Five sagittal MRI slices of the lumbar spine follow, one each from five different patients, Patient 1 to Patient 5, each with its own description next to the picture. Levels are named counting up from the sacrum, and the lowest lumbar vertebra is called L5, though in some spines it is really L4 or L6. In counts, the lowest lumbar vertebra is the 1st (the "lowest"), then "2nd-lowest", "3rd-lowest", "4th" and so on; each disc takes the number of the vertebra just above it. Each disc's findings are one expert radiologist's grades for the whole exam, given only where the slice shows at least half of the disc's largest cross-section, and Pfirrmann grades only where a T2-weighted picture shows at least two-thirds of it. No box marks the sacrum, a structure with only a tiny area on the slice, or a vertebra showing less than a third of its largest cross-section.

Patient 1 of 5:
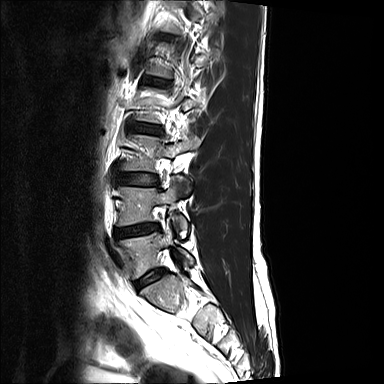

Sex M | MRI lumbar spine (T2-weighted), sagittal plane | Image 384x384
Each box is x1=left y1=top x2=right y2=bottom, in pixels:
L5 (lowest vertebra): x1=118 y1=224 x2=193 y2=278.
L2/L3 (4th disc): x1=131 y1=123 x2=160 y2=134.
L3 (3rd-lowest vertebra): x1=121 y1=132 x2=200 y2=171.
L5/S1 (lowest disc): x1=134 y1=269 x2=164 y2=288.
L4/L5 (2nd-lowest disc): x1=115 y1=224 x2=159 y2=237.
IVD L3/L4 (3rd-lowest disc): x1=117 y1=173 x2=157 y2=185.
IVD L1/L2 (5th disc): x1=150 y1=79 x2=165 y2=85.
L4 (2nd-lowest vertebra): x1=117 y1=177 x2=189 y2=237.

Expert MSK radiologist gradings (per disc):
• L4/L5 (2nd-lowest disc): Pfirrmann grade 4, disc narrowing, disc herniation
• L3/L4 (3rd-lowest disc): Pfirrmann grade 2
• L5/S1 (lowest disc): disc bulging

Patient 2 of 5:
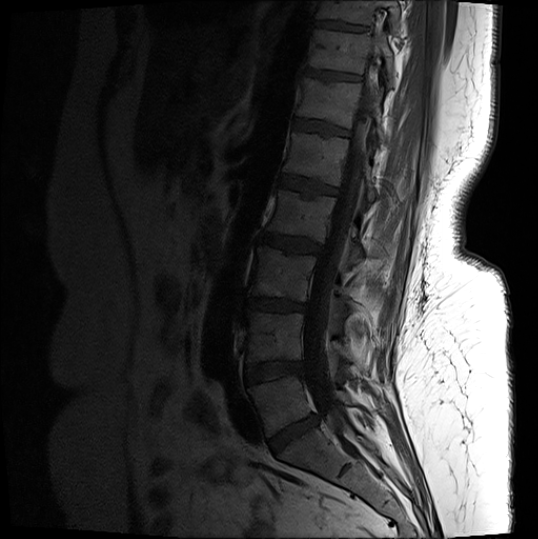 Lumbar spine MR, T1-weighted, sagittal. Sex F. 538x539 px.
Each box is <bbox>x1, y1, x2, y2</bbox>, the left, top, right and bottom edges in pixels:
L4 vertebra: <bbox>244, 311, 366, 373</bbox> | intervertebral disc L3/L4: <bbox>245, 299, 306, 311</bbox> | T10/T11: <bbox>314, 21, 368, 32</bbox> | T10 vertebra: <bbox>317, 1, 400, 31</bbox> | T11/T12: <bbox>303, 68, 361, 82</bbox> | L1/L2: <bbox>279, 175, 337, 195</bbox> | intervertebral disc L5/S1: <bbox>268, 416, 318, 452</bbox> | L3: <bbox>250, 245, 351, 300</bbox> | L4/L5: <bbox>245, 361, 301, 382</bbox> | T11: <bbox>308, 30, 396, 86</bbox> | T12: <bbox>298, 78, 390, 144</bbox> | intervertebral disc L2/L3: <bbox>261, 232, 321, 254</bbox> | L1: <bbox>283, 133, 377, 200</bbox> | spinal canal: <bbox>303, 52, 381, 437</bbox> | L5 vertebra: <bbox>249, 375, 352, 436</bbox> | T12/L1: <bbox>292, 119, 348, 136</bbox> | L2 vertebra: <bbox>267, 189, 362, 260</bbox>

Expert MSK radiologist gradings (per disc):
• T12/L1: lower-endplate change, upper-endplate change
• L3/L4: lower-endplate change, disc bulging, disc narrowing, Modic type II, upper-endplate change
• T11/T12: upper-endplate change
• T10/T11: lower-endplate change, upper-endplate change
• L2/L3: lower-endplate change, disc bulging, upper-endplate change
• L4/L5: disc bulging, Modic type II, lower-endplate change
• L5/S1: disc bulging, disc narrowing
• L1/L2: lower-endplate change, Modic type II, upper-endplate change

Patient 3 of 5:
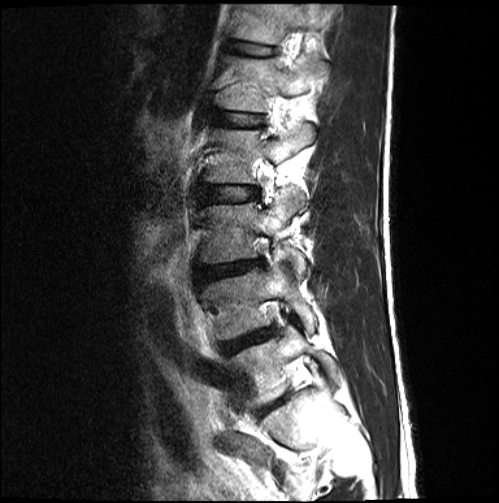
Slice 13/18, T2-weighted sagittal MRI of the lumbar spine
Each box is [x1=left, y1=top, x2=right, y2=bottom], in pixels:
L5 — [x1=229, y1=325, x2=337, y2=405] | L4 vertebra — [x1=205, y1=265, x2=316, y2=339] | disc L2/L3 — [x1=207, y1=186, x2=258, y2=201] | L2 vertebra — [x1=205, y1=124, x2=314, y2=199] | L1 vertebra — [x1=221, y1=57, x2=325, y2=111] | L1/L2 — [x1=226, y1=114, x2=258, y2=126] | L4/L5 — [x1=222, y1=327, x2=276, y2=355] | disc T12/L1 — [x1=235, y1=42, x2=276, y2=55] | L3/L4 — [x1=199, y1=259, x2=263, y2=281] | L3 vertebra — [x1=200, y1=188, x2=306, y2=275] | T12 vertebra — [x1=233, y1=4, x2=321, y2=43]

Expert MSK radiologist gradings (per disc):
- L4/L5: disc narrowing, upper-endplate change, lower-endplate change, disc bulging
- L3/L4: Pfirrmann grade 4, disc narrowing, upper-endplate change, lower-endplate change, disc bulging
- L2/L3, T12/L1: no herniation, bulging, narrowing, spondylolisthesis, endplate or Modic change recorded

Patient 4 of 5:
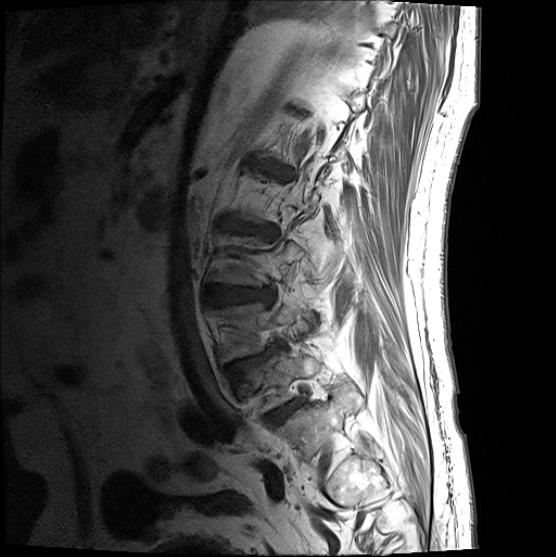 Slice 2 of 20, Field of view 300x301 mm, T1-weighted sagittal MRI of the lumbar spine
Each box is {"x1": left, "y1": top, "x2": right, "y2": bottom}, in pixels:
{"lowest vertebra": {"x1": 245, "y1": 354, "x2": 321, "y2": 413}, "2nd-lowest disc": {"x1": 231, "y1": 348, "x2": 275, "y2": 371}, "lowest disc": {"x1": 266, "y1": 401, "x2": 302, "y2": 426}, "2nd-lowest vertebra": {"x1": 216, "y1": 303, "x2": 300, "y2": 363}, "4th disc": {"x1": 226, "y1": 223, "x2": 274, "y2": 236}, "3rd-lowest disc": {"x1": 209, "y1": 288, "x2": 264, "y2": 306}}

Degenerative findings by level:
  3rd-lowest disc: disc bulging

Patient 5 of 5:
Lumbar spine MR, T2-weighted, sagittal. 1092x1101 px. Slice 7 of 8. Sex M. Field of view 280x282 mm, slice spacing 9.6 mm. SIEMENS Aera (1.5T).

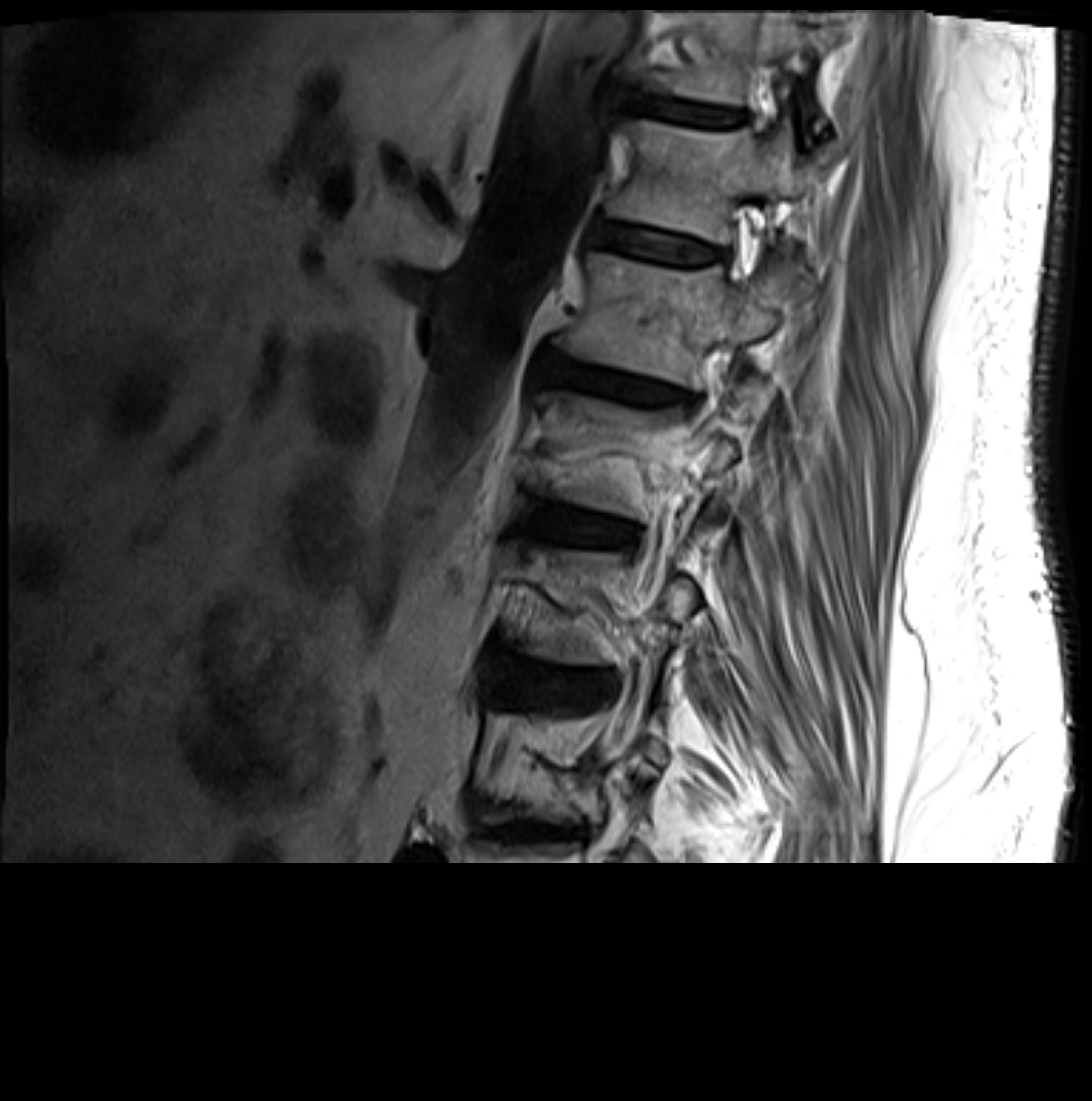

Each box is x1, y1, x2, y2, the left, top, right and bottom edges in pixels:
• T11 = 651, 10, 827, 144
• T12 = 611, 120, 827, 246
• T11/T12 = 628, 94, 747, 131
• L2 vertebra = 534, 397, 742, 521
• L2/L3 = 529, 509, 634, 547
• L1 vertebra = 572, 256, 819, 389
• disc T12/L1 = 600, 228, 719, 268
• L3/L4 = 555, 679, 585, 686
• disc L1/L2 = 546, 360, 699, 411

Degenerative findings by level:
  T12/L1: Pfirrmann grade 3, lower-endplate change, Modic type II, upper-endplate change
  T11/T12: Pfirrmann grade 4, upper-endplate change, Modic type II, disc bulging, lower-endplate change
  L2/L3: lower-endplate change, disc bulging, upper-endplate change, Modic type II
  L1/L2: Pfirrmann grade 4, upper-endplate change, Modic type II, disc bulging, lower-endplate change